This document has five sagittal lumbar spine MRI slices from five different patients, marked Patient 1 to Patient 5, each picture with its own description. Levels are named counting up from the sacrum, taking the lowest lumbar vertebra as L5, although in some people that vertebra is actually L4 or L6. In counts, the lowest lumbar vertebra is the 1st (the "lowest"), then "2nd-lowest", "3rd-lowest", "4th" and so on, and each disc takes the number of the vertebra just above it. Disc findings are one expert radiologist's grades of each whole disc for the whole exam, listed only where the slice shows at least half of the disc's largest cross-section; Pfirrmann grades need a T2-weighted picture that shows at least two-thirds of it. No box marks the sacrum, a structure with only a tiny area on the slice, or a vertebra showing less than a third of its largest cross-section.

Patient 1 of 5:
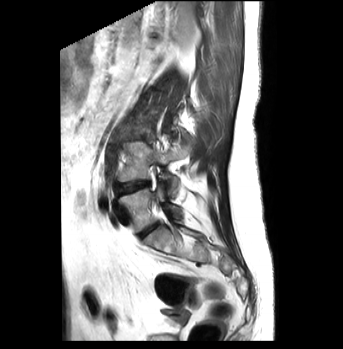 Slice 30 of 43. Image 343x349. MRI lumbar spine (T2-weighted), sagittal plane.

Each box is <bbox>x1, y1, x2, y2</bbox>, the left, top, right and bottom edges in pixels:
lowest disc = <bbox>139, 223, 157, 238</bbox> | lowest vertebra = <bbox>118, 186, 180, 232</bbox> | 2nd-lowest vertebra = <bbox>119, 142, 187, 196</bbox> | 2nd-lowest disc = <bbox>116, 180, 149, 195</bbox>

Expert MSK radiologist gradings (per disc):
  2nd-lowest disc: Pfirrmann grade 4, Modic type II, lower-endplate change, disc bulging, disc narrowing

Patient 2 of 5:
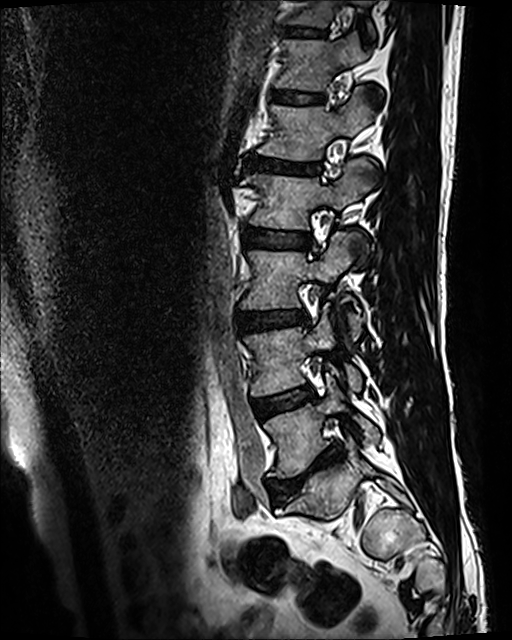 Sex M | MRI lumbar spine (T2 SPACE (3D)), sagittal plane
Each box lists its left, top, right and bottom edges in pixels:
intervertebral disc L3/L4: left=238, top=308, right=306, bottom=331
L5 vertebra: left=264, top=377, right=379, bottom=477
L4/L5: left=254, top=386, right=314, bottom=416
L1 vertebra: left=257, top=93, right=373, bottom=159
intervertebral disc L5/S1: left=268, top=443, right=344, bottom=501
L4: left=245, top=315, right=363, bottom=396
L2/L3: left=243, top=227, right=311, bottom=248
T11/T12: left=284, top=28, right=326, bottom=36
T12: left=273, top=33, right=368, bottom=90
L3 vertebra: left=241, top=232, right=360, bottom=337
T12/L1: left=271, top=89, right=322, bottom=104
intervertebral disc L1/L2: left=244, top=156, right=320, bottom=175
L2: left=242, top=159, right=372, bottom=229
T11 vertebra: left=287, top=0, right=371, bottom=29

Radiological gradings:
  L2/L3: Pfirrmann grade 3
  T12/L1: Pfirrmann grade 3
  L5/S1: Pfirrmann grade 5, disc narrowing, lower-endplate change, upper-endplate change, disc bulging, Modic type II
  L3/L4: Pfirrmann grade 3, lower-endplate change, disc bulging, upper-endplate change
  L1/L2: Pfirrmann grade 5, upper-endplate change, Modic type II, lower-endplate change, disc narrowing, disc bulging
  T11/T12: lower-endplate change, upper-endplate change

Patient 3 of 5:
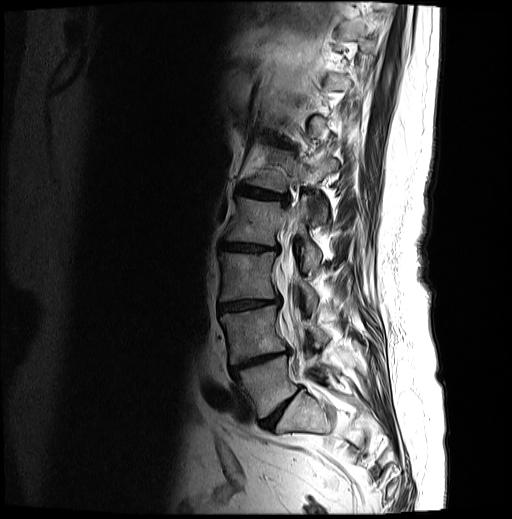

Slice 17/27. Sagittal T2-weighted lumbar spine MRI.

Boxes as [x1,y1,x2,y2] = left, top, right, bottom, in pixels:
4th disc at [220,242,278,251].
5th vertebra at [245,149,337,222].
3rd-lowest vertebra at [220,252,318,308].
2nd-lowest vertebra at [220,305,329,364].
2nd-lowest disc at [229,348,291,374].
Lowest disc at [259,395,294,429].
3rd-lowest disc at [218,297,280,312].
4th vertebra at [225,195,321,270].
Spinal canal at [277,222,309,372].
5th disc at [238,185,289,205].
Lowest vertebra at [235,354,339,417].

Degenerative findings by level:
• 4th disc: Pfirrmann grade 4, lower-endplate change, Modic type II, disc narrowing, disc bulging, upper-endplate change
• lowest disc: disc narrowing, disc bulging
• 3rd-lowest disc: Pfirrmann grade 4, disc narrowing, Modic type II, disc bulging, upper-endplate change, lower-endplate change
• 2nd-lowest disc: Pfirrmann grade 5, Modic type II, upper-endplate change, disc bulging, lower-endplate change, disc narrowing
• 5th disc: Pfirrmann grade 4, Modic type II, disc bulging, lower-endplate change, disc narrowing, upper-endplate change

Patient 4 of 5:
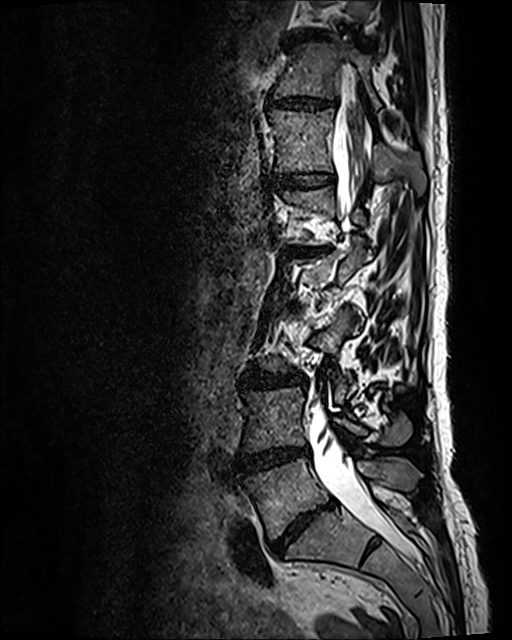 512x640 px, Lumbar spine MR, T2 SPACE (3D), sagittal
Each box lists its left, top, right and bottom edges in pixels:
Annotations:
• T12 at left=268, top=109, right=426, bottom=194
• T11 at left=275, top=43, right=380, bottom=109
• intervertebral disc T12/L1 at left=275, top=172, right=333, bottom=189
• thecal sac / spinal canal at left=309, top=65, right=410, bottom=556
• L4/L5 at left=236, top=449, right=308, bottom=475
• T11/T12 at left=267, top=94, right=337, bottom=111
• intervertebral disc L3/L4 at left=241, top=369, right=303, bottom=387
• L5/S1 at left=270, top=504, right=330, bottom=554
• L5 at left=242, top=457, right=422, bottom=539
• L4 vertebra at left=243, top=387, right=411, bottom=452
• L1/L2 at left=279, top=245, right=330, bottom=255

Expert MSK radiologist gradings (per disc):
  L3/L4: disc bulging
  T12/L1: Pfirrmann grade 2
  L5/S1: Pfirrmann grade 5, disc bulging, lower-endplate change, Modic type II, upper-endplate change, disc narrowing
  L1/L2: disc narrowing, Modic type II, upper-endplate change, disc bulging, lower-endplate change
  T11/T12: Pfirrmann grade 3, disc bulging, disc narrowing
  L4/L5: Pfirrmann grade 4, disc bulging, Modic type II, disc narrowing

Patient 5 of 5:
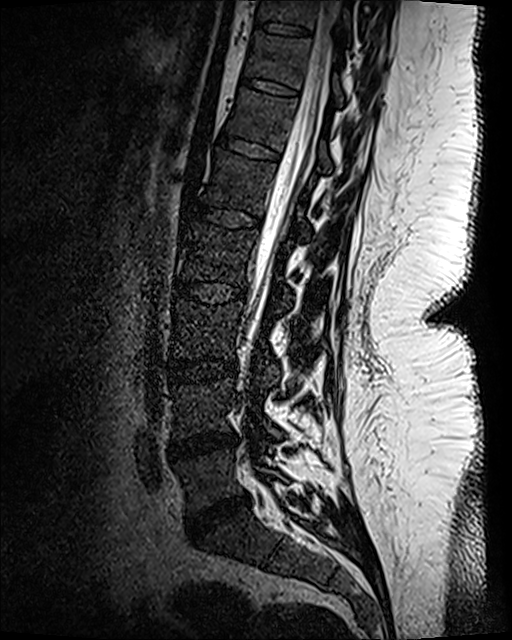
Slice 65 of 120, Patient sex: F, Sagittal T2 SPACE (3D) lumbar spine MRI
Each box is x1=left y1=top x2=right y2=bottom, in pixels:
IVD L2/L3 (4th disc) at x1=173 y1=279 x2=247 y2=303 | IVD T10/T11 (8th disc) at x1=254 y1=21 x2=310 y2=36 | L1/L2 (5th disc) at x1=182 y1=201 x2=262 y2=229 | T10 (8th vertebra) at x1=256 y1=0 x2=351 y2=36 | IVD L5/S1 (lowest disc) at x1=187 y1=494 x2=248 y2=537 | L3 (3rd-lowest vertebra) at x1=174 y1=301 x2=281 y2=388 | IVD L4/L5 (2nd-lowest disc) at x1=169 y1=433 x2=236 y2=461 | T12/L1 (6th disc) at x1=216 y1=130 x2=281 y2=161 | T11/T12 (7th disc) at x1=241 y1=77 x2=298 y2=96 | L5 (lowest vertebra) at x1=177 y1=450 x2=284 y2=514 | L1 (5th vertebra) at x1=202 y1=148 x2=311 y2=241 | T11 (7th vertebra) at x1=246 y1=31 x2=343 y2=105 | L2 (4th vertebra) at x1=178 y1=220 x2=292 y2=307 | IVD L3/L4 (3rd-lowest disc) at x1=168 y1=358 x2=236 y2=384 | thecal sac / spinal canal at x1=246 y1=0 x2=340 y2=343 | T12 (6th vertebra) at x1=227 y1=88 x2=331 y2=171 | L4 (2nd-lowest vertebra) at x1=173 y1=379 x2=281 y2=438

Expert MSK radiologist gradings (per disc):
  L2/L3 (4th disc): Pfirrmann grade 1
  L4/L5 (2nd-lowest disc): Pfirrmann grade 3, disc narrowing, disc bulging
  T11/T12 (7th disc): Pfirrmann grade 1
  L1/L2 (5th disc): Pfirrmann grade 1
  L3/L4 (3rd-lowest disc): Pfirrmann grade 1
  T10/T11 (8th disc): Pfirrmann grade 1
  L5/S1 (lowest disc): Pfirrmann grade 4, disc narrowing, disc bulging
  T12/L1 (6th disc): Pfirrmann grade 1